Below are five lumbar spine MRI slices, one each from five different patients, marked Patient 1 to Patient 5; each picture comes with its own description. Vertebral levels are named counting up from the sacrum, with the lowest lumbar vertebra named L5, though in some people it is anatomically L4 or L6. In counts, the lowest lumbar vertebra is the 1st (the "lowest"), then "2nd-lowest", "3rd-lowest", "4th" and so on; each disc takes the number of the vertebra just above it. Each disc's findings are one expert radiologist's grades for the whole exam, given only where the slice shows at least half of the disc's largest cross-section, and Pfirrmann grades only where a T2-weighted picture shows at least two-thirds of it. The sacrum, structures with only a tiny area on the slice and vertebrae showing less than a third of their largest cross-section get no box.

Patient 1 of 5:
SIEMENS Avanto_fit (1.5T). Lumbar spine MR, T2 SPACE (3D), sagittal. Slice 59 of 120.
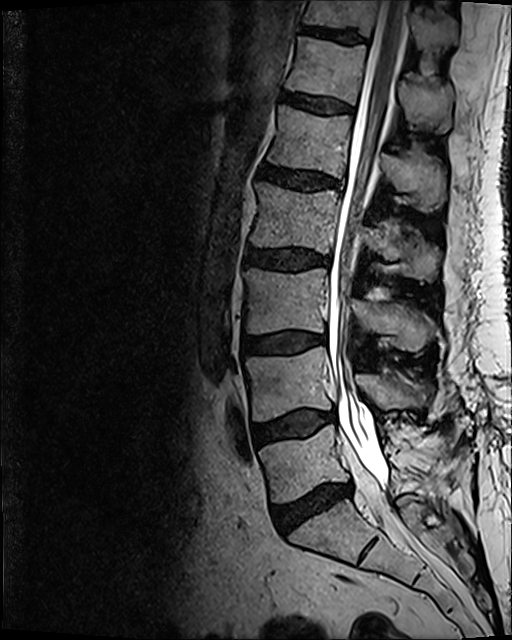 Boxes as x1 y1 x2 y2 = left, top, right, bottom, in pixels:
Annotations:
• L3 vertebra = 244 268 436 352
• disc L1/L2 = 258 162 339 190
• T11/T12 = 300 25 363 44
• spinal canal = 328 0 407 509
• T12 = 286 37 454 131
• L5/S1 = 272 485 351 532
• L1 = 267 105 446 211
• disc L2/L3 = 246 248 329 271
• T12/L1 = 281 93 353 114
• T11 vertebra = 302 0 457 49
• L4/L5 = 253 410 334 444
• L2 = 251 182 441 281
• L4 vertebra = 246 346 426 421
• L5 vertebra = 259 424 435 503
• L3/L4 = 244 331 321 354

Degenerative findings by level:
• L2/L3: Pfirrmann grade 3, disc bulging
• L5/S1: Pfirrmann grade 3, Modic type II, disc narrowing, disc bulging
• T11/T12: Pfirrmann grade 3
• L3/L4: Pfirrmann grade 2, Modic type II, disc bulging
• L4/L5: Pfirrmann grade 2, disc bulging, Modic type II
• T12/L1: Pfirrmann grade 2
• L1/L2: Pfirrmann grade 3, disc bulging

Patient 2 of 5:
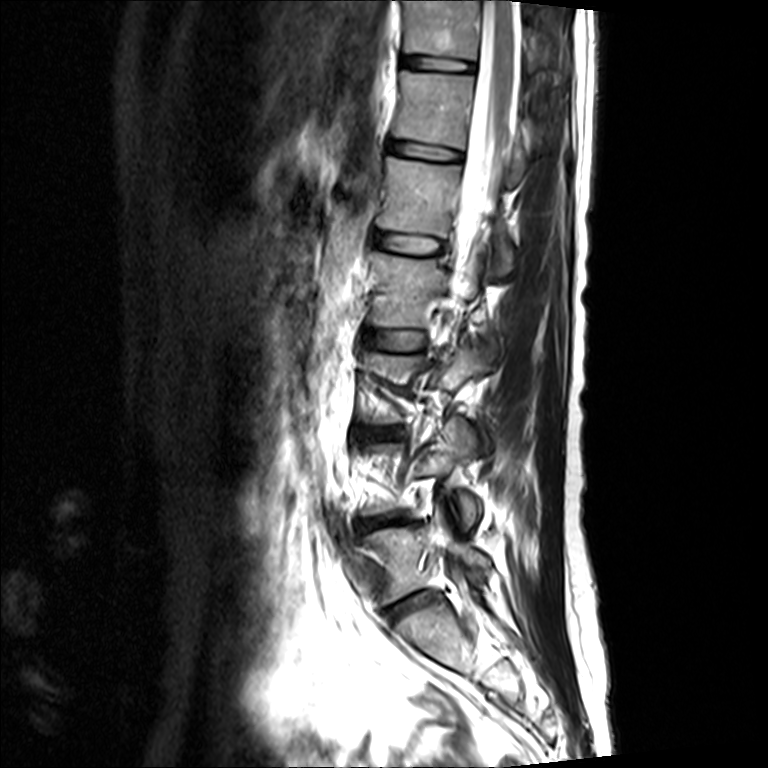 Field of view 280x280 mm, slice spacing 4.4 mm; Image 768x768; MRI lumbar spine (T2-weighted), sagittal plane

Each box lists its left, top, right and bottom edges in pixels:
Structures:
- L3/L4 = left=360, top=427, right=403, bottom=440
- L5/S1 = left=384, top=592, right=434, bottom=621
- T12/L1 = left=389, top=139, right=462, bottom=162
- L4/L5 = left=357, top=514, right=404, bottom=533
- T12 = left=393, top=69, right=526, bottom=188
- thecal sac / spinal canal = left=451, top=0, right=523, bottom=299
- T11/T12 = left=400, top=53, right=475, bottom=74
- T11 = left=403, top=0, right=540, bottom=73
- L2/L3 = left=364, top=328, right=426, bottom=350
- L2 = left=369, top=251, right=478, bottom=326
- intervertebral disc L1/L2 = left=375, top=231, right=444, bottom=255
- L5 vertebra = left=365, top=508, right=491, bottom=604
- L1 = left=377, top=157, right=514, bottom=275

Degenerative findings by level:
  L1/L2: Pfirrmann grade 2
  T12/L1: Pfirrmann grade 2
  T11/T12: Pfirrmann grade 2
  L2/L3: Pfirrmann grade 2, Modic type II

Patient 3 of 5:
Field of view 280x280 mm, slice spacing 4.8 mm, Scanner: SIEMENS Aera (1.5T), T2-weighted sagittal MRI of the lumbar spine
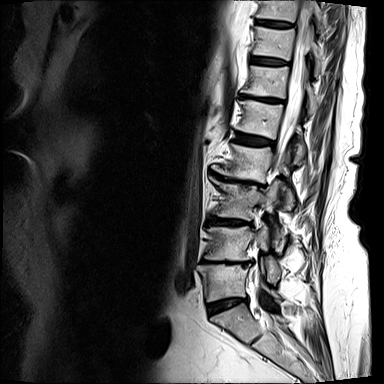
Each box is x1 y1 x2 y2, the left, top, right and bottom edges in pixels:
L2 vertebra at 213 144 294 208, T10 vertebra at 257 0 326 30, T11/T12 at 252 57 286 65, disc L5/S1 at 208 298 246 314, disc L3/L4 at 210 218 246 224, T10/T11 at 257 20 292 26, disc L4/L5 at 203 260 250 265, T12/L1 at 240 95 281 102, T12 at 242 66 318 113, L4 at 204 223 281 283, T11 at 253 26 324 74, L5 at 198 264 280 302, thecal sac / spinal canal at 253 0 312 285, L3 at 210 177 289 249, L2/L3 at 215 174 262 186, L1 vertebra at 237 100 305 163, disc L1/L2 at 236 133 274 145.

Per-level radiological findings:
• L5/S1: Pfirrmann grade 3, disc narrowing, Modic type II, lower-endplate change, upper-endplate change, disc bulging
• L3/L4: lower-endplate change, upper-endplate change, disc bulging
• T11/T12: Pfirrmann grade 4
• L1/L2: Pfirrmann grade 4, upper-endplate change, lower-endplate change, disc bulging
• T10/T11: Pfirrmann grade 4
• L4/L5: Pfirrmann grade 5, Modic type II, lower-endplate change, disc bulging, upper-endplate change, disc narrowing
• T12/L1: Pfirrmann grade 5, upper-endplate change, disc narrowing, Modic type II, lower-endplate change, disc bulging
• L2/L3: Pfirrmann grade 5, disc narrowing, spondylolisthesis, upper-endplate change, disc bulging, lower-endplate change, Modic type II

Patient 4 of 5:
Sagittal T2 SPACE (3D) lumbar spine MRI, Sagittal slice index 108, Field of view 240x300 mm
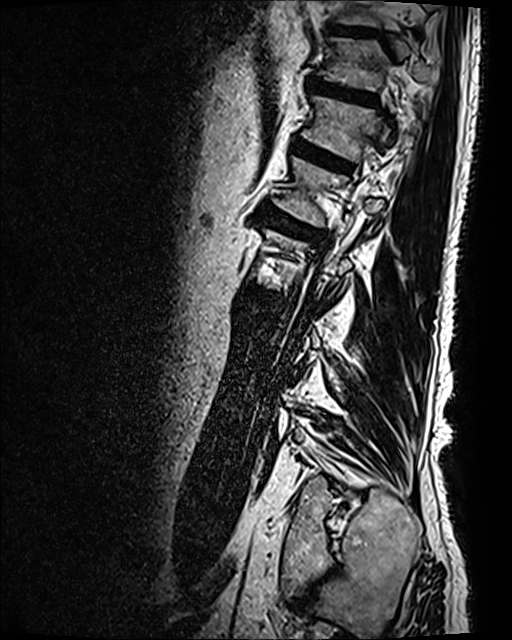 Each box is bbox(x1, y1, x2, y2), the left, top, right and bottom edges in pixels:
IVD T11/T12 at bbox(308, 76, 376, 102); L1 at bbox(273, 158, 383, 226); T10/T11 at bbox(328, 24, 380, 37); IVD L1/L2 at bbox(260, 207, 322, 239); T11 vertebra at bbox(320, 38, 439, 90); T12/L1 at bbox(294, 139, 351, 171); T12 at bbox(302, 95, 413, 161).

Degenerative findings by level:
  L1/L2: Pfirrmann grade 4, disc bulging, upper-endplate change, Modic type II, lower-endplate change
  T12/L1: lower-endplate change, upper-endplate change, disc bulging, Modic type II
  T11/T12: Pfirrmann grade 4, disc bulging, lower-endplate change, upper-endplate change

Patient 5 of 5:
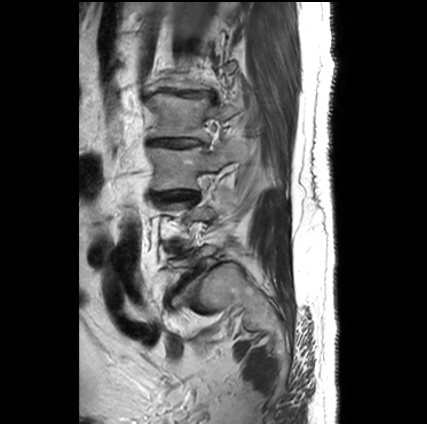 Sagittal T2-weighted lumbar spine MRI
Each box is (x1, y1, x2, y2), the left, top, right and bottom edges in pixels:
4th vertebra at (144, 93, 241, 140), 4th disc at (150, 138, 202, 147), 3rd-lowest vertebra at (148, 141, 242, 190), 3rd-lowest disc at (157, 191, 197, 201), 5th disc at (151, 88, 213, 98).

Degenerative findings by level:
  4th disc: Pfirrmann grade 5, upper-endplate change, disc bulging, Modic type II, lower-endplate change, disc narrowing
  3rd-lowest disc: Pfirrmann grade 5, lower-endplate change, Modic type II, disc bulging, upper-endplate change, disc narrowing
  5th disc: Pfirrmann grade 5, disc narrowing, Modic type II, disc bulging, disc herniation, upper-endplate change, lower-endplate change